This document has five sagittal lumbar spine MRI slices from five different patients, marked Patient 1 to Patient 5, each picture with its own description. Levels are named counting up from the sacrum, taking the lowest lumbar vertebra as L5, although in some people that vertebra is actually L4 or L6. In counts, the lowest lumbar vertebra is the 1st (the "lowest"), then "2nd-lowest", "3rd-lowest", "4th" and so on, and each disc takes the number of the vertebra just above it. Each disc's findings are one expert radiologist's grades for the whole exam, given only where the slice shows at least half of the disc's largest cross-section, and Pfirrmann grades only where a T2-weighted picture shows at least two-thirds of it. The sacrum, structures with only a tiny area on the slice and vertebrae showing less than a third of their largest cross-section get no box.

Patient 1 of 5:
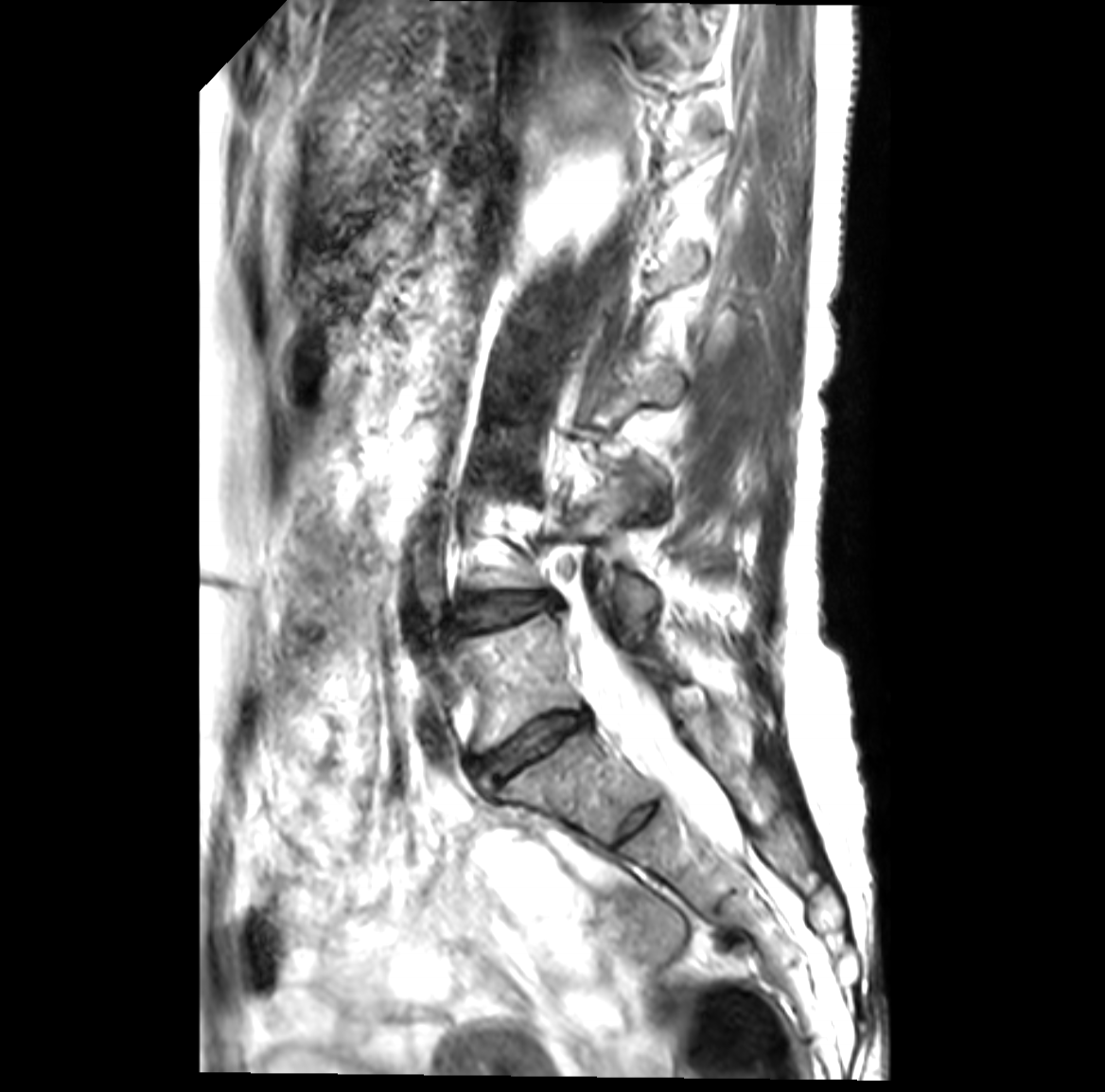 Patient sex: F. Lumbar spine MR, T2-weighted, sagittal. Slice 16 of 41.
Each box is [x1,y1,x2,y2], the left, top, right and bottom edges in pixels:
{"thecal sac / spinal canal": "[570,613,737,846]", "IVD L5/S1 (lowest disc)": "[476,714,586,781]", "L4/L5 (2nd-lowest disc)": "[463,595,553,628]", "L5 (lowest vertebra)": "[460,613,681,750]"}

Per-level radiological findings:
- L5/S1 (lowest disc): Pfirrmann grade 4, Modic type II, disc narrowing, disc bulging

Patient 2 of 5:
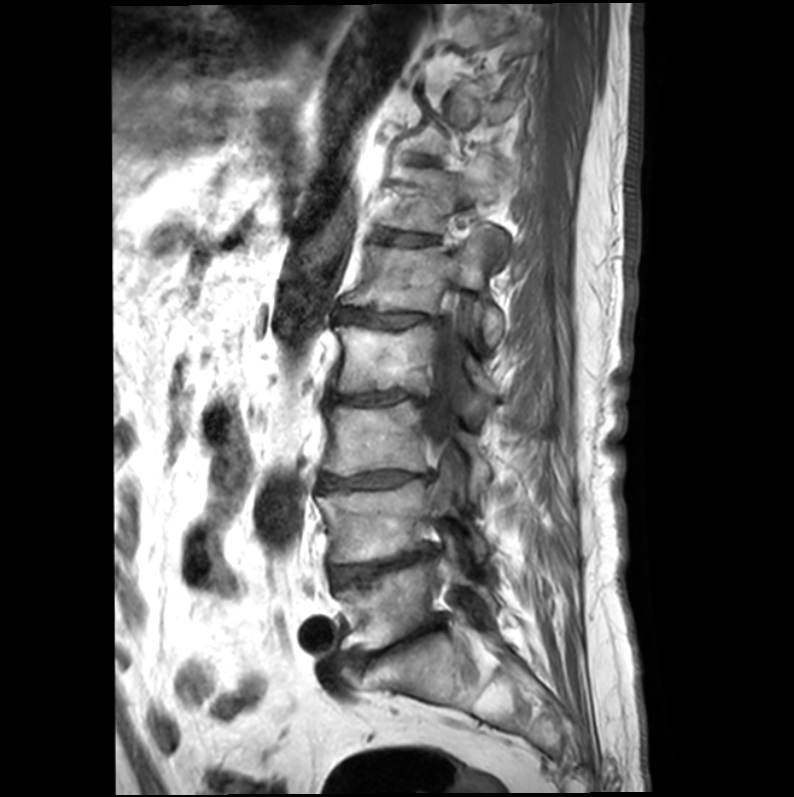 Sagittal T1-weighted lumbar spine MRI | Slice 14 of 22 | Patient sex: M
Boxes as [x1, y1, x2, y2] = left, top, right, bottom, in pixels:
IVD T12/L1: [380, 230, 435, 245]
L4: [316, 478, 488, 563]
T12 vertebra: [380, 165, 517, 245]
IVD L3/L4: [316, 470, 430, 491]
L1: [342, 230, 501, 344]
L3: [320, 401, 490, 494]
L5: [337, 554, 495, 651]
L4/L5: [331, 546, 434, 587]
L2: [331, 323, 501, 408]
IVD L5/S1: [349, 621, 438, 665]
thecal sac / spinal canal: [422, 279, 473, 507]
L2/L3: [327, 390, 429, 405]
L1/L2: [337, 309, 435, 329]

Radiological gradings:
  L2/L3: upper-endplate change, lower-endplate change, disc bulging, disc narrowing, Modic type II
  L5/S1: lower-endplate change, disc narrowing, upper-endplate change, Modic type II, disc bulging
  L1/L2: disc bulging, disc narrowing, Modic type II, upper-endplate change, lower-endplate change
  L3/L4: Modic type II, lower-endplate change, disc narrowing, upper-endplate change, disc bulging
  L4/L5: lower-endplate change, Modic type II, disc bulging, upper-endplate change, disc narrowing

Patient 3 of 5:
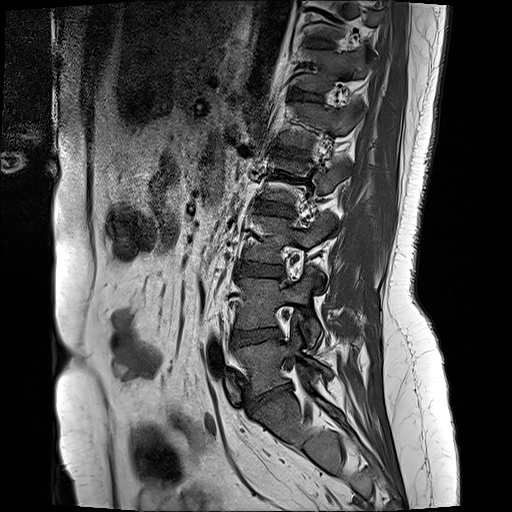 Image 512x512. MRI lumbar spine (T1-weighted), sagittal plane. Slice 4/17.
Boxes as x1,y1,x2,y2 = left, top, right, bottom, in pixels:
Segmented structures:
* 2nd-lowest vertebra at 236,268,319,345
* 5th disc at 274,147,306,158
* 3rd-lowest vertebra at 246,218,331,263
* 6th vertebra at 297,51,366,94
* lowest disc at 247,387,289,413
* 7th disc at 306,40,333,50
* lowest vertebra at 236,331,332,397
* 3rd-lowest disc at 238,264,283,278
* 4th disc at 254,204,293,217
* 5th vertebra at 281,103,358,149
* 6th disc at 290,91,320,102
* 4th vertebra at 261,160,348,205
* 2nd-lowest disc at 231,331,281,346

Degenerative findings by level:
  4th disc: upper-endplate change, disc bulging, lower-endplate change
  3rd-lowest disc: disc bulging
  5th disc: lower-endplate change, upper-endplate change
  6th disc: upper-endplate change, lower-endplate change
  2nd-lowest disc: disc bulging
  7th disc: no herniation, bulging, narrowing, spondylolisthesis, endplate or Modic change recorded

Patient 4 of 5:
Sagittal T1-weighted lumbar spine MRI; SIEMENS SymphonyTim (1.5T); 384x384 px
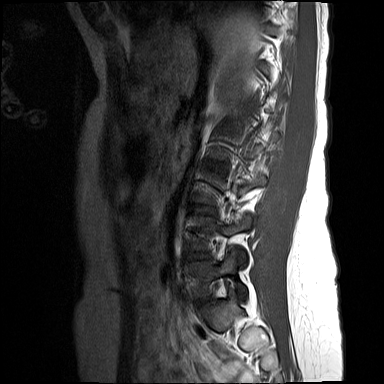
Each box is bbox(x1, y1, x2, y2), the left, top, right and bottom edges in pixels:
Structures:
• intervertebral disc L3/L4: bbox(196, 206, 213, 214)
• L5: bbox(192, 249, 246, 296)
• L4/L5: bbox(188, 252, 208, 259)

Patient 5 of 5:
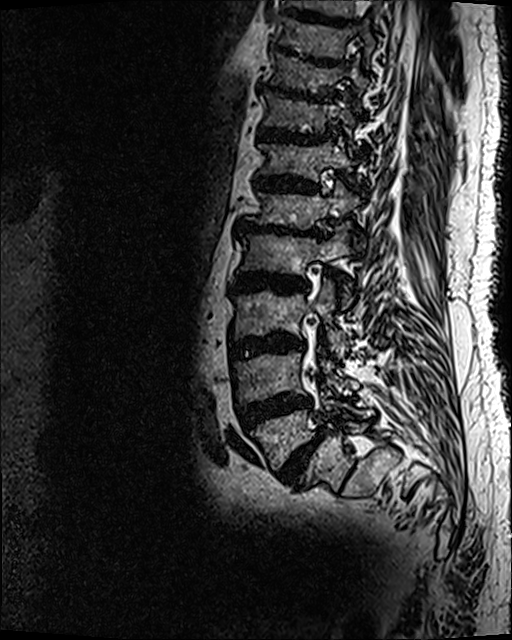 Lumbar spine MR, T2 SPACE (3D), sagittal
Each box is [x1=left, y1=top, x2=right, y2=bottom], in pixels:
Disc L4/L5: [x1=234, y1=393, x2=314, y2=432].
T12: [x1=256, y1=135, x2=364, y2=191].
L4: [x1=231, y1=330, x2=359, y2=405].
L3/L4: [x1=230, y1=332, x2=303, y2=360].
L3: [x1=232, y1=278, x2=346, y2=358].
L1 vertebra: [x1=246, y1=178, x2=362, y2=229].
T11 vertebra: [x1=261, y1=91, x2=354, y2=132].
T10/T11: [x1=257, y1=83, x2=332, y2=102].
Disc L2/L3: [x1=231, y1=272, x2=309, y2=294].
Disc L1/L2: [x1=237, y1=218, x2=325, y2=239].
T12/L1: [x1=254, y1=174, x2=319, y2=193].
T10 vertebra: [x1=263, y1=52, x2=367, y2=110].
Disc T9/T10: [x1=272, y1=44, x2=341, y2=67].
L5 vertebra: [x1=247, y1=380, x2=373, y2=470].
T11/T12: [x1=257, y1=127, x2=331, y2=143].
L2: [x1=239, y1=221, x2=358, y2=307].
Disc L5/S1: [x1=277, y1=429, x2=325, y2=485].

Radiological gradings:
• T9/T10: disc narrowing, lower-endplate change, upper-endplate change, Modic type II, disc bulging
• L5/S1: Pfirrmann grade 5, upper-endplate change, lower-endplate change, spondylolisthesis, Modic type II, disc narrowing, disc bulging
• T11/T12: Pfirrmann grade 5, disc bulging, lower-endplate change, disc narrowing, Modic type II, upper-endplate change
• L1/L2: disc narrowing, disc bulging, upper-endplate change, lower-endplate change, Modic type II
• L4/L5: Pfirrmann grade 5, disc bulging, lower-endplate change, disc narrowing, Modic type II, upper-endplate change
• T12/L1: Pfirrmann grade 5, disc narrowing, lower-endplate change, disc bulging, upper-endplate change, Modic type II
• L2/L3: Pfirrmann grade 5, Modic type II, lower-endplate change, disc bulging, upper-endplate change, disc narrowing
• L3/L4: Pfirrmann grade 5, lower-endplate change, Modic type II, upper-endplate change, disc bulging, disc narrowing